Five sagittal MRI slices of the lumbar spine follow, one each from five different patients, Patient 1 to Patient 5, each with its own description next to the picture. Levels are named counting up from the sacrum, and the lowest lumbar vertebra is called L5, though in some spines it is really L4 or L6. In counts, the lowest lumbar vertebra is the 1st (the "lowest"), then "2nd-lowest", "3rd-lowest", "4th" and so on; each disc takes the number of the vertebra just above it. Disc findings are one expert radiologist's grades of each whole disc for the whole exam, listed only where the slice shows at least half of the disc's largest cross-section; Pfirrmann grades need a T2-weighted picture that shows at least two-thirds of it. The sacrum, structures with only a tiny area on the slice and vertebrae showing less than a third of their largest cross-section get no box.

Patient 1 of 5:
Lumbar spine MR, T2 SPACE (3D), sagittal, Image 512x640, SIEMENS Avanto_fit (1.5T)

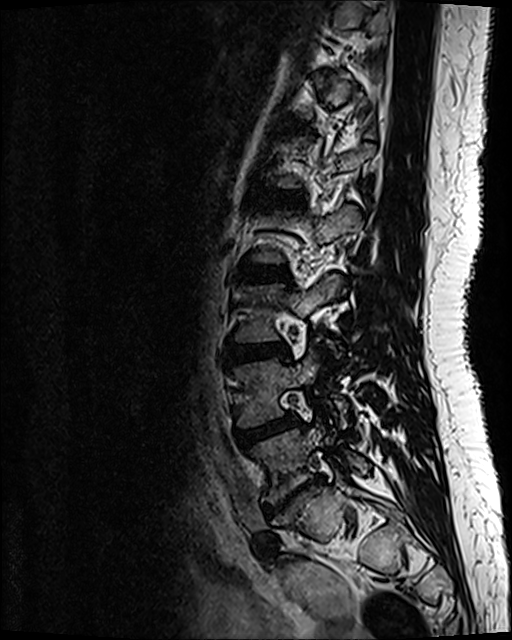
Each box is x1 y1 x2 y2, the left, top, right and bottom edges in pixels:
IVD L5/S1: 264 476 323 516.
IVD T12/L1: 293 123 305 129.
L2/L3: 240 266 287 280.
IVD L4/L5: 236 414 296 447.
L3: 236 275 343 341.
L4: 237 354 317 425.
IVD L1/L2: 257 190 303 205.
L5 vertebra: 253 425 369 502.
L3/L4: 227 343 288 361.

Radiological gradings:
• L3/L4: disc bulging
• L4/L5: disc bulging
• L1/L2, L2/L3: no herniation, bulging, narrowing, spondylolisthesis, endplate or Modic change recorded

Patient 2 of 5:
Patient sex: M; Slice spacing 3.3 mm; Lumbar spine MR, T2-weighted, sagittal 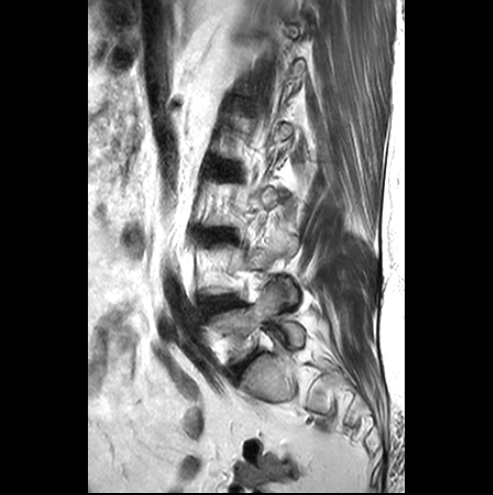

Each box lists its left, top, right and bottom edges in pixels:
IVD L5/S1 — left=236, top=354, right=255, bottom=373.
IVD L3/L4 — left=206, top=229, right=231, bottom=238.
L4/L5 — left=208, top=298, right=235, bottom=311.
L5 vertebra — left=210, top=284, right=304, bottom=361.

Patient 3 of 5:
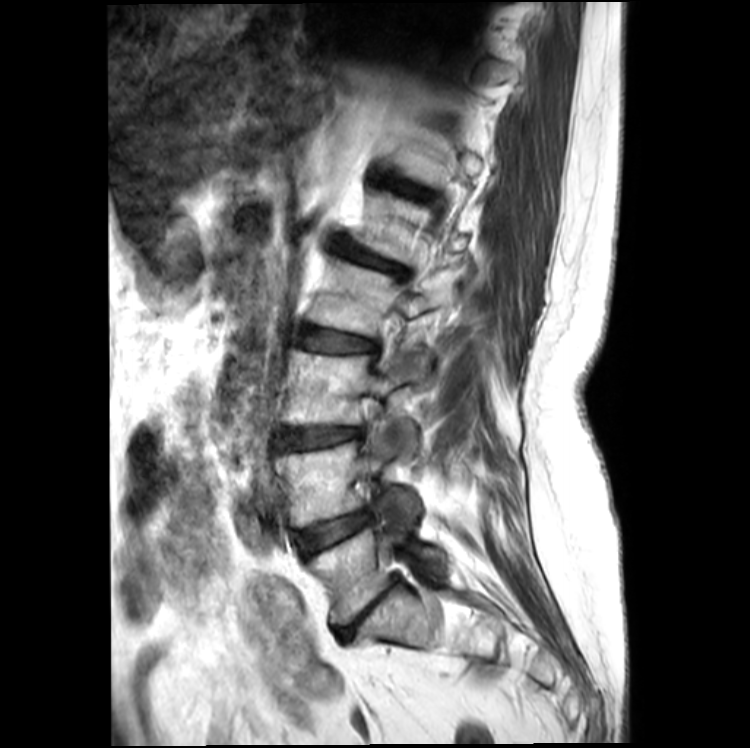 Field of view 310x309 mm, slice spacing 4.4 mm. T2-weighted sagittal MRI of the lumbar spine. Sagittal slice index 6.
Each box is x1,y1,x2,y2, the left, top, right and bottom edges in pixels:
L3 (3rd-lowest vertebra) — 284,349,430,443.
L5 (lowest vertebra) — 310,527,443,624.
IVD L5/S1 (lowest disc) — 336,583,398,640.
IVD L3/L4 (3rd-lowest disc) — 278,426,363,451.
IVD L4/L5 (2nd-lowest disc) — 295,511,373,556.
L4 (2nd-lowest vertebra) — 279,430,423,526.
L2 (4th vertebra) — 310,259,433,335.
IVD L2/L3 (4th disc) — 295,325,376,352.
IVD L1/L2 (5th disc) — 341,246,407,273.

Radiological gradings:
- L2/L3 (4th disc): Pfirrmann grade 3, disc bulging, Modic type II
- L4/L5 (2nd-lowest disc): Pfirrmann grade 3, Modic type II, disc bulging
- L3/L4 (3rd-lowest disc): Pfirrmann grade 3, Modic type II, disc narrowing, disc bulging
- L1/L2 (5th disc): disc bulging, spondylolisthesis, Modic type II, disc narrowing, upper-endplate change, lower-endplate change

Patient 4 of 5:
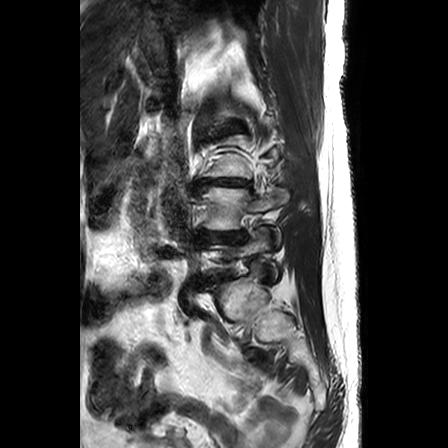 Patient sex: F | Image 448x448 | T2-weighted sagittal MRI of the lumbar spine
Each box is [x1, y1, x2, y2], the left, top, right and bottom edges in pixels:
Lowest vertebra — [210, 228, 277, 280].
2nd-lowest disc — [200, 231, 246, 242].
4th disc — [211, 123, 244, 137].
3rd-lowest disc — [196, 179, 249, 191].
2nd-lowest vertebra — [203, 187, 289, 246].

Expert MSK radiologist gradings (per disc):
• 3rd-lowest disc: Pfirrmann grade 5, upper-endplate change, disc narrowing, Modic type II, lower-endplate change, disc bulging
• 2nd-lowest disc: Pfirrmann grade 5, disc bulging, lower-endplate change, upper-endplate change, disc narrowing, Modic type II
• 4th disc: Pfirrmann grade 3, upper-endplate change, disc bulging, lower-endplate change, disc narrowing

Patient 5 of 5:
Sex M | MRI lumbar spine (T2-weighted), sagittal plane | Slice spacing 3.3 mm
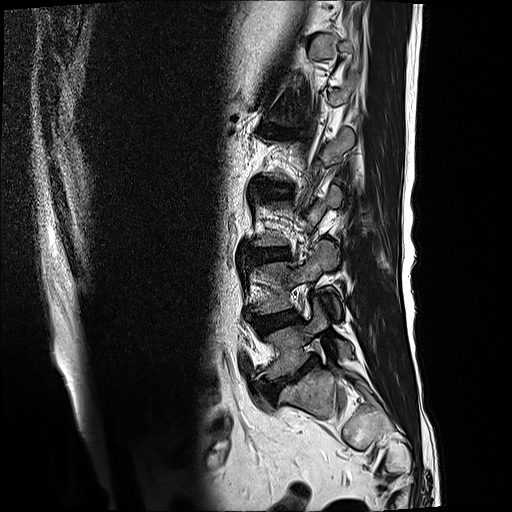 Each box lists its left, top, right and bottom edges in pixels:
L4: left=253, top=239, right=341, bottom=318
L5 vertebra: left=266, top=299, right=352, bottom=379
intervertebral disc L1/L2: left=270, top=131, right=295, bottom=135
intervertebral disc L4/L5: left=254, top=310, right=299, bottom=332
L5/S1: left=265, top=356, right=318, bottom=396
L3/L4: left=247, top=247, right=289, bottom=262

Degenerative findings by level:
- L4/L5: Modic type II